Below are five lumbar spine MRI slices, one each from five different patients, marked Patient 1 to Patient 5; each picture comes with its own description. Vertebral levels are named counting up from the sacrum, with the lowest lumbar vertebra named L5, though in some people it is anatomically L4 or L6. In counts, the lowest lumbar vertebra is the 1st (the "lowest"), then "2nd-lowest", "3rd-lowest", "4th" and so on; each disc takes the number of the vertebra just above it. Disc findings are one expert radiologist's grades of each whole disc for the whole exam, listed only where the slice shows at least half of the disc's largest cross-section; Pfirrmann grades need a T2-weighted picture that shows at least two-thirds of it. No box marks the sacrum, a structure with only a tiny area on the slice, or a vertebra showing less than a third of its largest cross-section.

Patient 1 of 5:
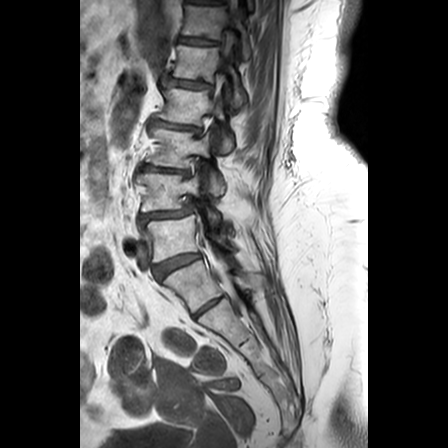
Field of view 280x280 mm, slice spacing 3.3 mm. 448x448 px. Sagittal slice index 15. Sagittal T1-weighted lumbar spine MRI. Sex F.
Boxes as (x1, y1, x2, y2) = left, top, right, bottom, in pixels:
6th disc: (178, 33, 217, 42).
2nd-lowest disc: (141, 206, 190, 220).
5th disc: (164, 76, 209, 85).
6th vertebra: (181, 0, 249, 57).
2nd-lowest vertebra: (141, 170, 220, 220).
4th disc: (153, 118, 199, 131).
Lowest disc: (153, 250, 201, 276).
Thecal sac / spinal canal: (221, 0, 234, 281).
3rd-lowest vertebra: (146, 125, 224, 192).
3rd-lowest disc: (143, 162, 188, 172).
4th vertebra: (156, 85, 232, 147).
5th vertebra: (171, 41, 244, 103).
Lowest vertebra: (148, 211, 231, 259).

Degenerative findings by level:
  lowest disc: disc bulging
  3rd-lowest disc: Modic type II, disc narrowing, upper-endplate change, disc bulging, lower-endplate change
  2nd-lowest disc: disc bulging, disc narrowing, spondylolisthesis
  6th disc: Modic type II, upper-endplate change, lower-endplate change
  4th disc: Modic type II, upper-endplate change, disc bulging, lower-endplate change, disc narrowing
  5th disc: lower-endplate change, disc bulging, disc narrowing, upper-endplate change, Modic type II

Patient 2 of 5:
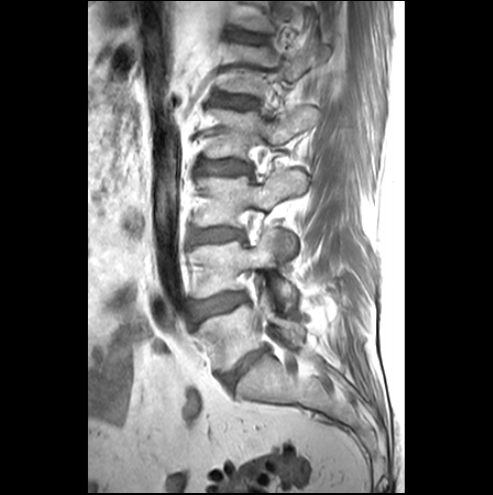 Lumbar spine MR, T1-weighted, sagittal. Slice 8 of 25.
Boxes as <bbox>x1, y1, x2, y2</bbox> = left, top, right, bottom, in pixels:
Annotations:
• L4/L5: <bbox>195, 293, 245, 317</bbox>
• L1 vertebra: <bbox>227, 44, 330, 94</bbox>
• L5 vertebra: <bbox>197, 290, 305, 371</bbox>
• L1/L2: <bbox>220, 96, 255, 107</bbox>
• IVD T12/L1: <bbox>241, 33, 263, 40</bbox>
• L3 vertebra: <bbox>195, 170, 306, 257</bbox>
• L2: <bbox>207, 107, 319, 159</bbox>
• IVD L3/L4: <bbox>196, 228, 241, 241</bbox>
• L2/L3: <bbox>201, 160, 249, 174</bbox>
• L4: <bbox>192, 228, 296, 308</bbox>
• L5/S1: <bbox>225, 348, 264, 385</bbox>

Radiological gradings:
  L4/L5: Modic type III, disc bulging

Patient 3 of 5:
613x611 px; Slice 11 of 18; Sagittal T2-weighted lumbar spine MRI 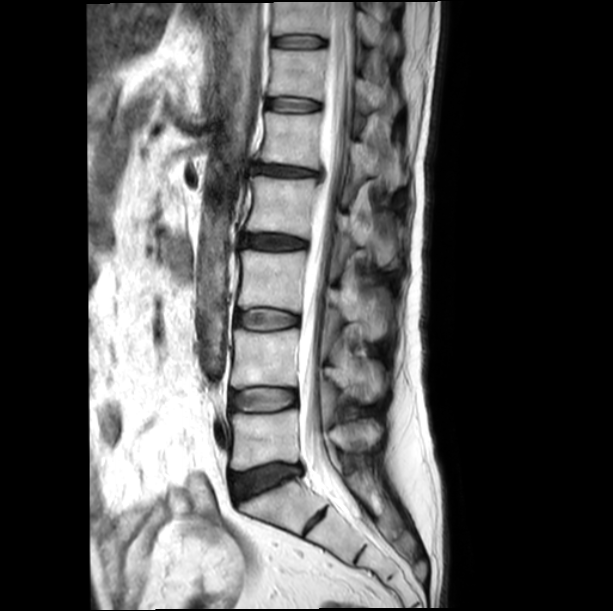

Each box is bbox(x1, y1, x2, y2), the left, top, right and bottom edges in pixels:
{"L5": "bbox(231, 409, 381, 470)", "T11 vertebra": "bbox(273, 2, 398, 50)", "T11/T12": "bbox(274, 35, 325, 47)", "L4/L5": "bbox(231, 387, 295, 410)", "L5/S1": "bbox(231, 464, 301, 501)", "L1/L2": "bbox(252, 164, 318, 176)", "disc L2/L3": "bbox(241, 235, 306, 250)", "T12/L1": "bbox(268, 97, 319, 111)", "T12": "bbox(269, 49, 401, 111)", "L1": "bbox(258, 111, 407, 189)", "spinal canal": "bbox(298, 2, 359, 522)", "L3": "bbox(238, 250, 391, 340)", "L3/L4": "bbox(237, 309, 298, 330)", "L2 vertebra": "bbox(246, 176, 397, 264)", "L4 vertebra": "bbox(231, 329, 385, 401)"}

Radiological gradings:
  T11/T12: Pfirrmann grade 1
  L4/L5: Pfirrmann grade 1
  L5/S1: Pfirrmann grade 3, disc bulging
  L1/L2: Pfirrmann grade 3, disc bulging, disc narrowing
  L3/L4: Pfirrmann grade 1
  T12/L1: Pfirrmann grade 1
  L2/L3: Pfirrmann grade 3

Patient 4 of 5:
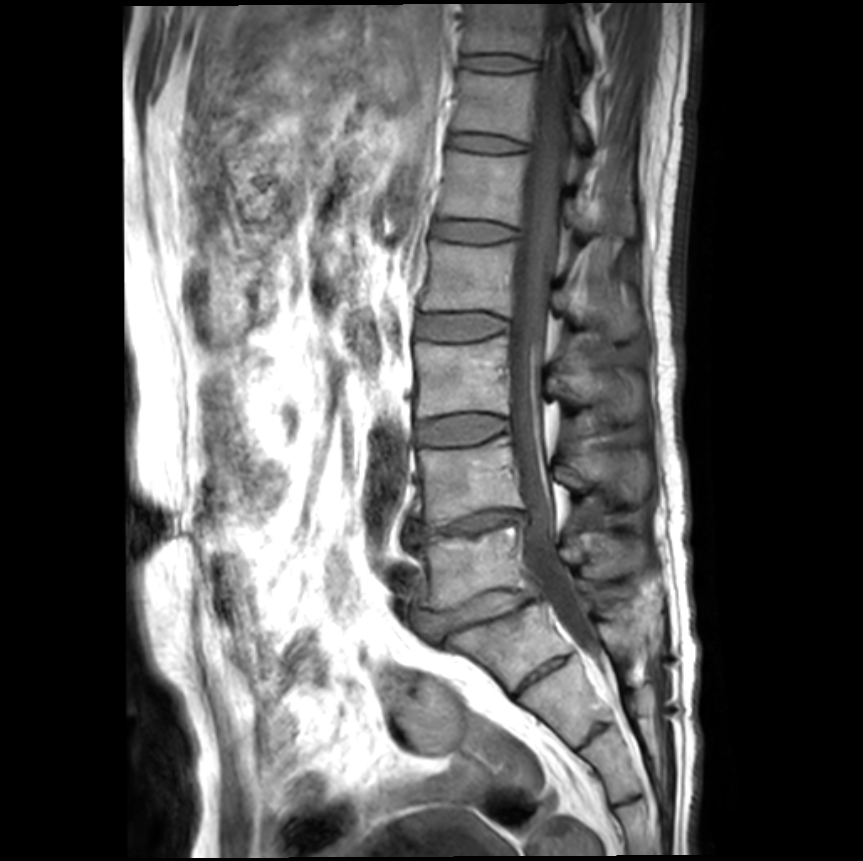

Patient sex: M; Slice 11/21; Sagittal T1-weighted lumbar spine MRI

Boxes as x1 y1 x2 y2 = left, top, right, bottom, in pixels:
4th disc at 415 313 508 339, 7th vertebra at 465 4 592 60, 2nd-lowest disc at 406 510 525 541, lowest vertebra at 412 525 641 608, lowest disc at 413 590 533 640, spinal canal at 511 2 595 650, 5th disc at 432 221 516 242, 5th vertebra at 438 151 634 234, 3rd-lowest vertebra at 413 335 642 419, 3rd-lowest disc at 417 413 508 444, 7th disc at 462 55 535 70, 6th vertebra at 454 70 589 145, 4th vertebra at 420 239 641 337, 6th disc at 452 134 526 152, 2nd-lowest vertebra at 412 435 649 526.

Per-level radiological findings:
- lowest disc: spondylolisthesis, disc bulging, upper-endplate change, disc narrowing, lower-endplate change
- 2nd-lowest disc: lower-endplate change, disc bulging, disc narrowing, upper-endplate change, Modic type II
- 3rd-lowest disc, 5th disc, 4th disc, 7th disc, 6th disc: no herniation, bulging, narrowing, spondylolisthesis, endplate or Modic change recorded

Patient 5 of 5:
Image 352x351 | Sagittal T2-weighted lumbar spine MRI | Patient sex: F 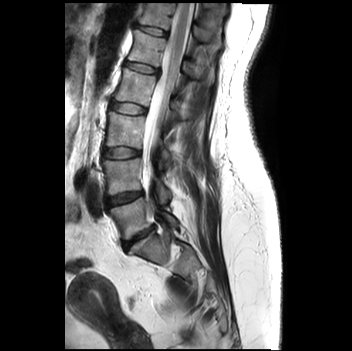

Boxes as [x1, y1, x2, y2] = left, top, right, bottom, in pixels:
L2 vertebra — [114, 68, 183, 117] | L5/S1 — [123, 226, 154, 249] | intervertebral disc L1/L2 — [124, 62, 158, 74] | intervertebral disc T12/L1 — [135, 24, 167, 35] | intervertebral disc L4/L5 — [106, 192, 142, 207] | L5 — [108, 198, 178, 239] | T12 — [138, 3, 221, 50] | L1 — [128, 30, 214, 84] | L4 — [102, 158, 171, 204] | L3/L4 — [103, 147, 140, 158] | L2/L3 — [110, 101, 145, 113] | spinal canal — [143, 3, 193, 179] | L3 — [105, 111, 172, 169]

Radiological gradings:
- L1/L2: Pfirrmann grade 1
- L2/L3: Pfirrmann grade 1
- L4/L5: Pfirrmann grade 2
- T12/L1: Pfirrmann grade 1
- L3/L4: Pfirrmann grade 1
- L5/S1: lower-endplate change, Modic type II, upper-endplate change, disc narrowing